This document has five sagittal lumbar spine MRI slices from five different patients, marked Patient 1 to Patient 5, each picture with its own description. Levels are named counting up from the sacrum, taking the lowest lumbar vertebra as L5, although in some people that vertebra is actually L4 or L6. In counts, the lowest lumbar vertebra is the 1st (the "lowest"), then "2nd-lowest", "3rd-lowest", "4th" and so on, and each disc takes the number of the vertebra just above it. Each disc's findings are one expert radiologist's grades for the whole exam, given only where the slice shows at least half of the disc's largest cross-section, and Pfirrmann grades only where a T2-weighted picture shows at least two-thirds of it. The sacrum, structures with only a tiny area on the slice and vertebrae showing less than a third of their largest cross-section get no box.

Patient 1 of 5:
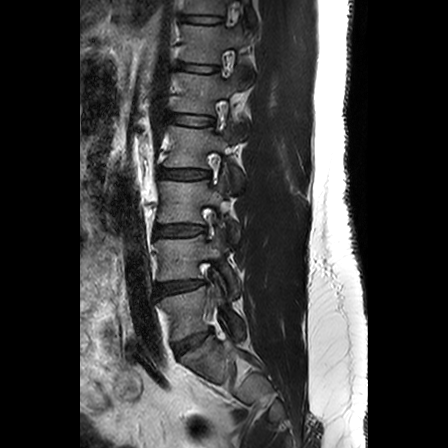 Field of view 280x280 mm, slice spacing 3.3 mm | Image 448x448 | Patient sex: M | T2-weighted sagittal MRI of the lumbar spine
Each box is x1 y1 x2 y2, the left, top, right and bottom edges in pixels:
Structures:
• T11 vertebra at 184 0 253 19
• T12/L1 at 179 63 217 72
• T12 at 181 25 250 63
• disc L4/L5 at 157 280 204 295
• disc L2/L3 at 158 168 209 178
• disc L3/L4 at 155 225 204 236
• L3 vertebra at 158 177 240 241
• L5/S1 at 174 330 211 355
• L4 vertebra at 156 231 238 294
• T11/T12 at 181 15 220 23
• L5 vertebra at 159 284 242 340
• L2 vertebra at 164 126 243 190
• L1 at 173 73 247 113
• L1/L2 at 166 114 212 125

Per-level radiological findings:
  T12/L1: Pfirrmann grade 1
  L1/L2: Pfirrmann grade 1
  L4/L5: Pfirrmann grade 2
  T11/T12: Pfirrmann grade 1
  L3/L4: Pfirrmann grade 2
  L5/S1: disc bulging
  L2/L3: Pfirrmann grade 2, disc bulging

Patient 2 of 5:
Patient sex: F, Sagittal T2 SPACE (3D) lumbar spine MRI, SIEMENS Avanto_fit (1.5T), Sagittal slice index 33, Slice spacing 0.9 mm

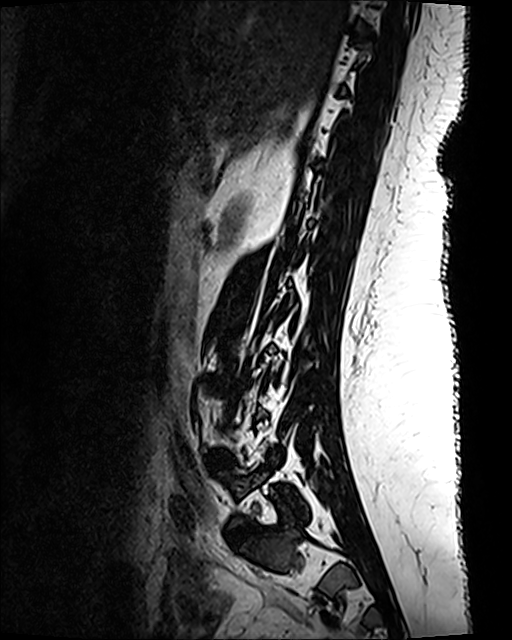
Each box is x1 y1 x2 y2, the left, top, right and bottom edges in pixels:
L5 (lowest vertebra): 216 461 306 528
L5/S1 (lowest disc): 225 519 259 549
intervertebral disc L4/L5 (2nd-lowest disc): 210 453 234 467

Patient 3 of 5:
1085x1120 px; Lumbar spine MR, T2-weighted, sagittal 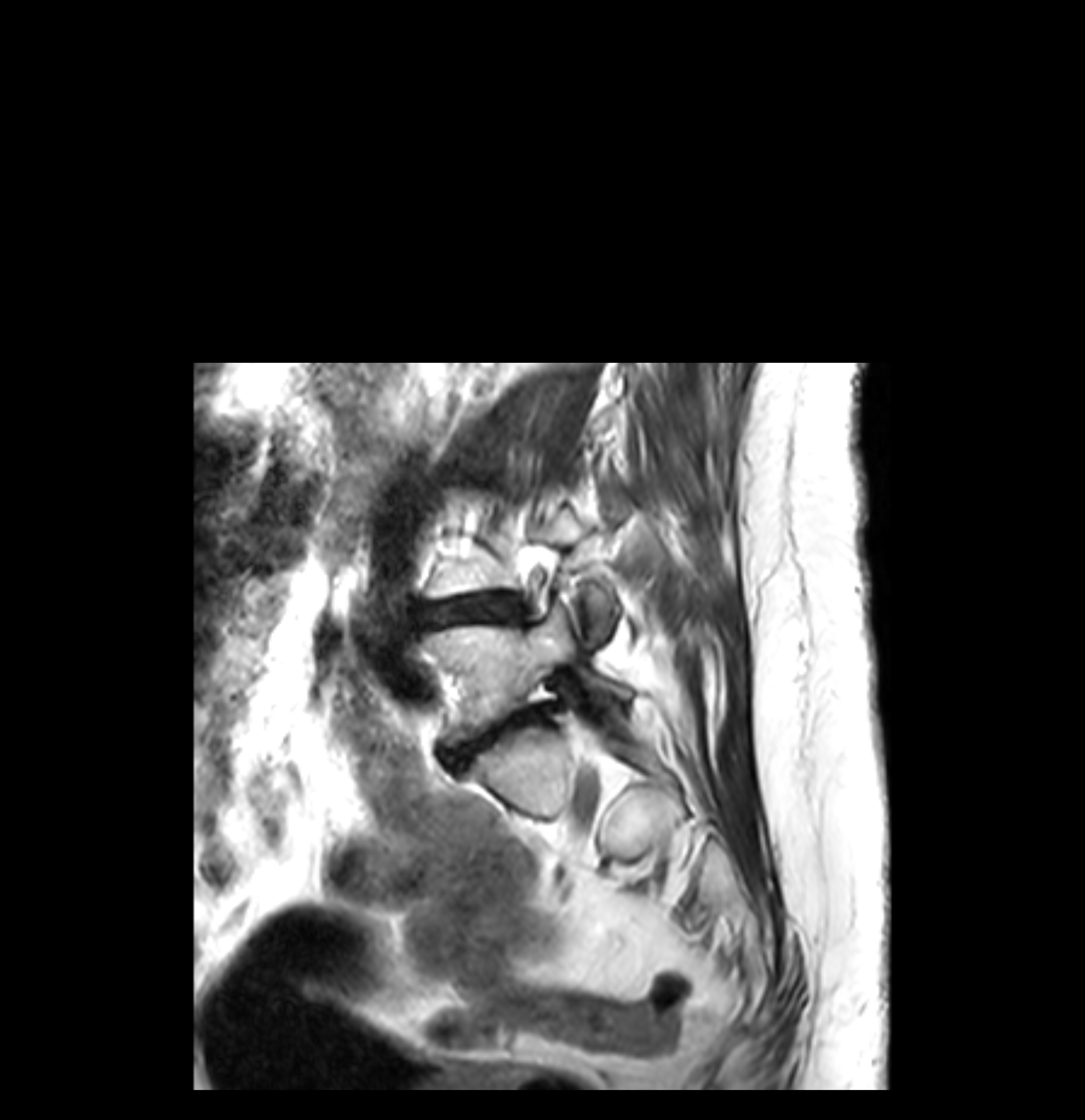
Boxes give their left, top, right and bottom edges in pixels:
Lowest vertebra: left=419, top=592, right=627, bottom=743.
2nd-lowest disc: left=421, top=592, right=520, bottom=623.
Lowest disc: left=450, top=706, right=545, bottom=768.

Degenerative findings by level:
- 2nd-lowest disc: Pfirrmann grade 5, disc narrowing, Modic type II, disc bulging, upper-endplate change, lower-endplate change
- lowest disc: lower-endplate change, disc herniation, upper-endplate change, Modic type II, disc narrowing, disc bulging

Patient 4 of 5:
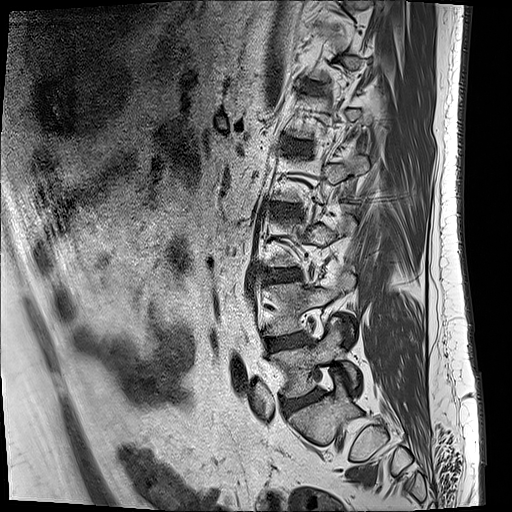

512x512 px. Sagittal T1-weighted lumbar spine MRI.
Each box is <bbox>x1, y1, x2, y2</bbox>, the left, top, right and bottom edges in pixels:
Disc L4/L5 (2nd-lowest disc) at <bbox>267, 332, 307, 349</bbox>, L5 (lowest vertebra) at <bbox>272, 316, 359, 397</bbox>, disc L2/L3 (4th disc) at <bbox>274, 204, 298, 215</bbox>, L4 (2nd-lowest vertebra) at <bbox>264, 269, 355, 335</bbox>, T12/L1 (6th disc) at <bbox>303, 82, 319, 89</bbox>, L5/S1 (lowest disc) at <bbox>284, 390, 323, 414</bbox>, L3/L4 (3rd-lowest disc) at <bbox>264, 270, 299, 281</bbox>, disc L1/L2 (5th disc) at <bbox>285, 139, 310, 154</bbox>.

Patient 5 of 5:
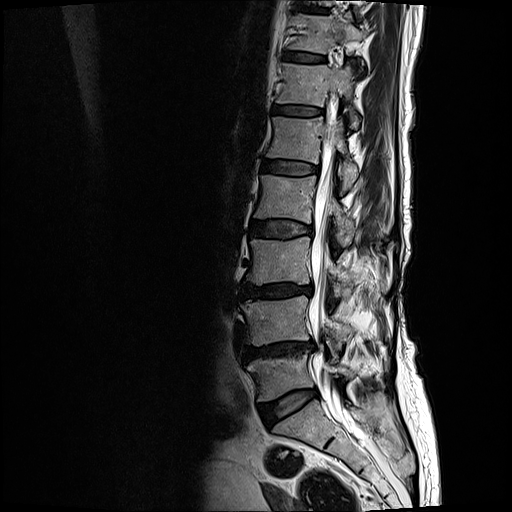
MRI lumbar spine (T2-weighted), sagittal plane

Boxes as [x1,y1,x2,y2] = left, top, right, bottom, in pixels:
Annotations:
• L3 = [246,236,390,297]
• T12 vertebra = [277,63,358,128]
• L5/S1 = [259,390,317,423]
• L1 = [267,116,358,189]
• IVD T11/T12 = [285,51,325,62]
• T11 = [290,12,365,62]
• L1/L2 = [263,160,318,175]
• L2 vertebra = [254,174,355,244]
• L5 vertebra = [247,352,354,401]
• thecal sac / spinal canal = [308,122,354,433]
• IVD T10/T11 = [299,6,326,11]
• IVD L3/L4 = [240,282,312,298]
• T12/L1 = [273,106,322,116]
• L4/L5 = [245,341,314,359]
• IVD L2/L3 = [253,219,312,237]
• L4 = [240,295,354,345]

Radiological gradings:
• L2/L3: Pfirrmann grade 3, lower-endplate change, upper-endplate change, disc bulging, Modic type II
• T12/L1: Pfirrmann grade 2, Modic type II, lower-endplate change, upper-endplate change
• L4/L5: Pfirrmann grade 4, disc bulging, disc narrowing, Modic type II, upper-endplate change, lower-endplate change
• L1/L2: Pfirrmann grade 3, lower-endplate change, Modic type II, upper-endplate change
• T11/T12: Pfirrmann grade 2, Modic type II, lower-endplate change, upper-endplate change
• L3/L4: Pfirrmann grade 4, upper-endplate change, disc narrowing, lower-endplate change, Modic type II, disc bulging
• L5/S1: Pfirrmann grade 2, disc bulging